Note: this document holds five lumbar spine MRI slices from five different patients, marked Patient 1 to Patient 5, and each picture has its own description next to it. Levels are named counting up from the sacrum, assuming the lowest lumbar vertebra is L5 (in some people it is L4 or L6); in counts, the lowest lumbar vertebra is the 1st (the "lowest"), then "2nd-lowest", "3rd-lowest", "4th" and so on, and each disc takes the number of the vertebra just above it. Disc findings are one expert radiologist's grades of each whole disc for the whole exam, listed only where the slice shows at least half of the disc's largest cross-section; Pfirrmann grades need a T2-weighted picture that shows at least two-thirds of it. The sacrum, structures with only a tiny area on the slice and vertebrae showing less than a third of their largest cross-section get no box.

Patient 1 of 5:
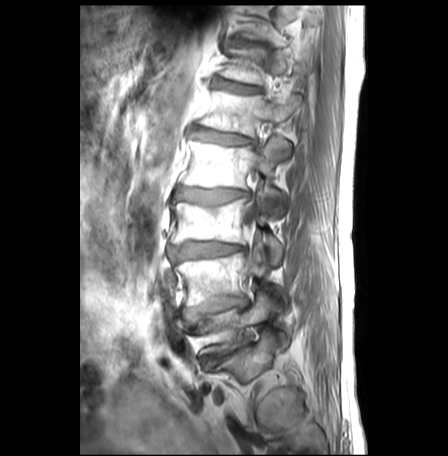

MRI lumbar spine (T1-weighted), sagittal plane. Sagittal slice index 11.
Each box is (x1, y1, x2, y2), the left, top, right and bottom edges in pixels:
Annotations:
* IVD L4/L5: (185, 297, 248, 323)
* L2: (180, 139, 284, 218)
* L1: (197, 91, 300, 161)
* L4 vertebra: (174, 242, 286, 307)
* L3 vertebra: (170, 200, 281, 266)
* IVD T11/T12: (233, 41, 260, 47)
* IVD L2/L3: (174, 189, 245, 205)
* IVD L3/L4: (167, 241, 241, 262)
* L5: (201, 293, 288, 353)
* T12/L1: (214, 79, 260, 94)
* IVD L5/S1: (203, 350, 236, 365)
* T12 vertebra: (220, 50, 307, 85)
* IVD L1/L2: (192, 128, 251, 145)
* thecal sac / spinal canal: (240, 152, 261, 277)

Per-level radiological findings:
• L3/L4: upper-endplate change, Modic type II, disc bulging, lower-endplate change, disc narrowing
• T12/L1: upper-endplate change, lower-endplate change, disc bulging, Modic type II
• L1/L2: Modic type II, upper-endplate change, disc bulging, lower-endplate change
• L2/L3: upper-endplate change, lower-endplate change, disc narrowing, Modic type II, disc bulging
• L4/L5: lower-endplate change, disc bulging, Modic type II, upper-endplate change

Patient 2 of 5:
MRI lumbar spine (T1-weighted), sagittal plane

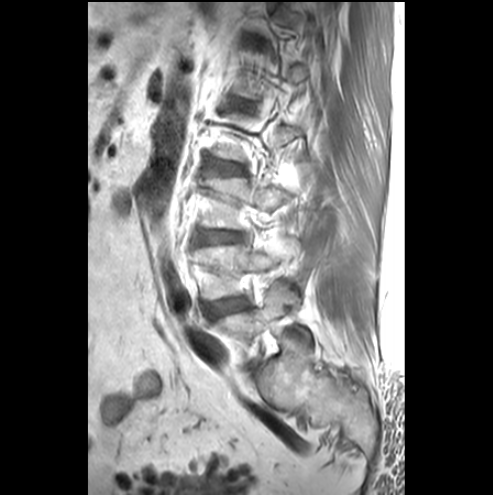
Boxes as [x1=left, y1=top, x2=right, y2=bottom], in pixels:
{"disc L2/L3": "[x1=218, y1=164, x2=239, y2=173]", "L4 vertebra": "[x1=199, y1=241, x2=297, y2=298]", "L4/L5": "[x1=207, y1=299, x2=245, y2=317]", "L3 vertebra": "[x1=200, y1=177, x2=288, y2=227]", "L5": "[x1=216, y1=281, x2=309, y2=361]", "L3/L4": "[x1=202, y1=231, x2=239, y2=242]"}

Patient 3 of 5:
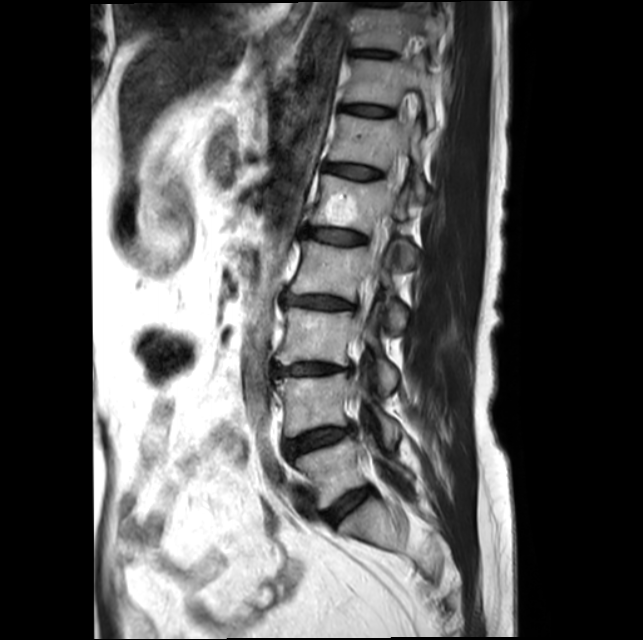 Lumbar spine MR, T2-weighted, sagittal
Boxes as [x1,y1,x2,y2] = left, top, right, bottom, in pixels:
Structures:
• L4/L5: [284,427,352,457]
• disc L1/L2: [304,228,366,244]
• disc L5/S1: [323,487,371,523]
• L1 vertebra: [311,175,416,266]
• T12 vertebra: [330,114,425,196]
• T12/L1: [325,164,380,178]
• spinal canal: [368,247,381,276]
• L3: [276,307,397,393]
• L5: [294,436,411,508]
• L4: [274,373,399,445]
• T11: [345,57,435,127]
• L3/L4: [274,363,349,375]
• T10/T11: [353,50,392,58]
• L2 vertebra: [291,241,407,333]
• T11/T12: [343,104,391,116]
• T10: [353,2,441,50]
• L2/L3: [286,295,354,309]

Expert MSK radiologist gradings (per disc):
  T11/T12: Pfirrmann grade 2
  L1/L2: Pfirrmann grade 2, Modic type II
  L3/L4: Pfirrmann grade 3, lower-endplate change, Modic type II, upper-endplate change, disc bulging, disc narrowing
  T12/L1: Pfirrmann grade 2
  L2/L3: Pfirrmann grade 3, disc narrowing, upper-endplate change, disc bulging, Modic type II, lower-endplate change
  L4/L5: Pfirrmann grade 2, lower-endplate change, disc bulging, Modic type II, upper-endplate change
  T10/T11, L5/S1: no spondylolisthesis, narrowing, bulging, herniation, Modic or endplate change recorded

Patient 4 of 5:
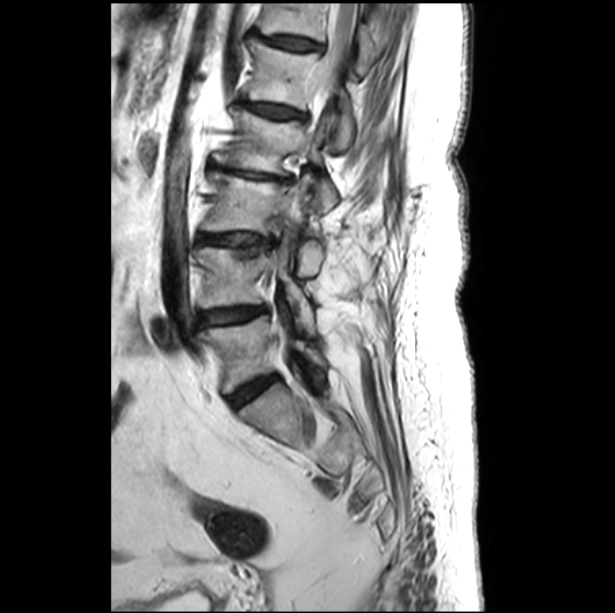 615x613 px | Slice spacing 3.3 mm | Lumbar spine MR, T2-weighted, sagittal
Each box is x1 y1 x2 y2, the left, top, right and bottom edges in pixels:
- disc L2/L3: 209 160 291 184
- L3 vertebra: 201 172 323 275
- L1/L2: 242 102 302 119
- L5/S1: 229 374 277 407
- L1 vertebra: 248 38 354 151
- L2: 213 110 337 211
- L5: 201 297 325 392
- L4: 198 239 316 338
- L4/L5: 197 306 265 325
- L3/L4: 197 232 273 246
- T12 vertebra: 257 3 378 74
- disc T12/L1: 263 37 320 49
- thecal sac / spinal canal: 317 3 357 94

Radiological gradings:
  T12/L1: Pfirrmann grade 3, Modic type II, disc bulging, upper-endplate change, lower-endplate change
  L2/L3: lower-endplate change, disc narrowing, Modic type II, disc bulging, upper-endplate change
  L1/L2: Pfirrmann grade 3, lower-endplate change, disc bulging, upper-endplate change, Modic type II
  L3/L4: Pfirrmann grade 3, disc bulging, disc narrowing, Modic type II, upper-endplate change, lower-endplate change
  L4/L5: disc bulging

Patient 5 of 5:
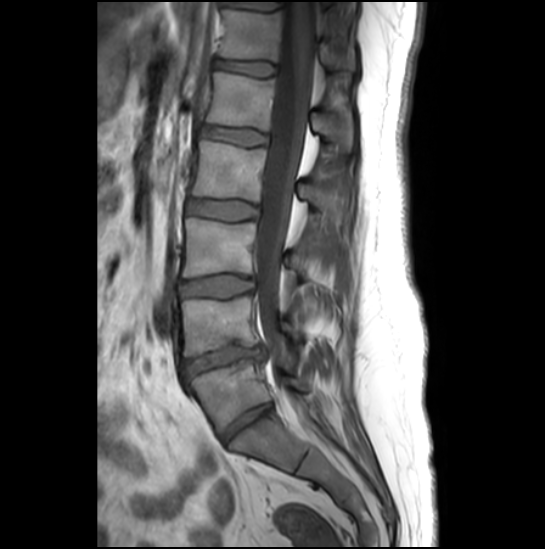
Slice 14/27. Sagittal T1-weighted lumbar spine MRI. 545x549 px.

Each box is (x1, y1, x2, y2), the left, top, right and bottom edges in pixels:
6th vertebra — (220, 10, 355, 70) | 5th vertebra — (206, 72, 353, 150) | 3rd-lowest disc — (181, 276, 252, 297) | 3rd-lowest vertebra — (182, 218, 307, 278) | 2nd-lowest disc — (185, 345, 262, 374) | lowest disc — (220, 403, 271, 442) | 4th disc — (186, 200, 257, 220) | lowest vertebra — (191, 360, 309, 432) | 6th disc — (214, 59, 275, 76) | 5th disc — (202, 126, 267, 145) | 2nd-lowest vertebra — (181, 295, 302, 356) | thecal sac / spinal canal — (255, 0, 314, 388) | 4th vertebra — (191, 141, 342, 222)

Degenerative findings by level:
  2nd-lowest disc: upper-endplate change, disc narrowing, disc herniation, lower-endplate change, Modic type II
  lowest disc: disc narrowing
  5th disc, 6th disc, 4th disc, 3rd-lowest disc: no herniation, bulging, narrowing, spondylolisthesis, endplate or Modic change recorded